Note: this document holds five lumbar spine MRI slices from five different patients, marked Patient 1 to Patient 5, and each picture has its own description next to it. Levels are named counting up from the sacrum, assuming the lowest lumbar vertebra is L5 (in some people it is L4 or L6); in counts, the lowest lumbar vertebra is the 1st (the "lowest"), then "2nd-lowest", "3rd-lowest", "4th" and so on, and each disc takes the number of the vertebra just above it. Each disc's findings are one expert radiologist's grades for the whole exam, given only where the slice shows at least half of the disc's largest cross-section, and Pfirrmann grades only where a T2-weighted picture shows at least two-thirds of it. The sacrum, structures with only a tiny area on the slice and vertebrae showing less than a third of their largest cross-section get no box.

Patient 1 of 5:
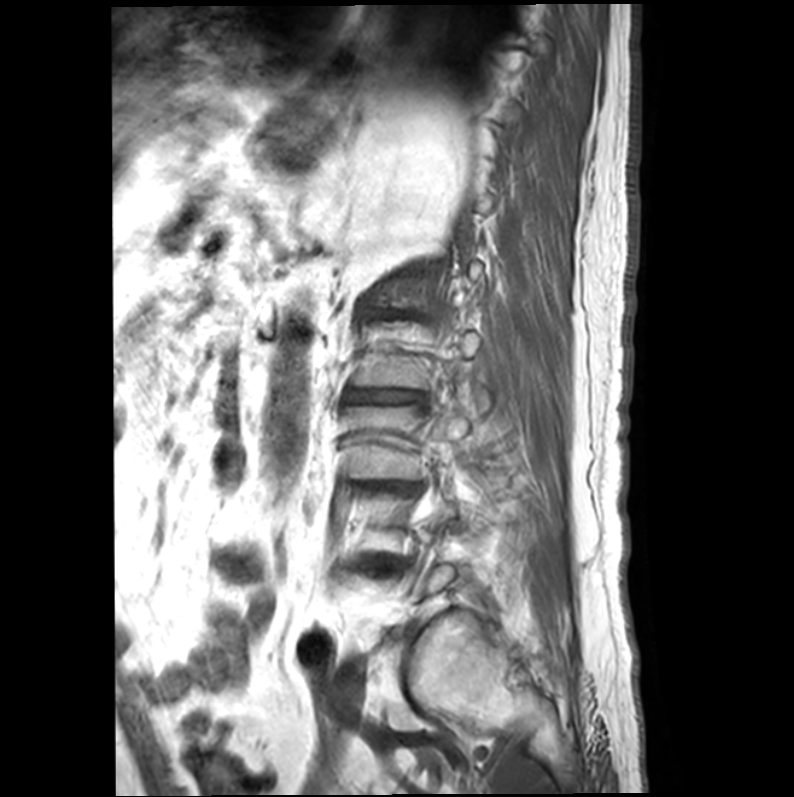
Slice 18/22; MRI lumbar spine (T1-weighted), sagittal plane; Field of view 308x309 mm, slice spacing 4.4 mm

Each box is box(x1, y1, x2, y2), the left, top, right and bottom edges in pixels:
L3 — box(345, 390, 489, 479).
Intervertebral disc L3/L4 — box(362, 481, 420, 493).
L2/L3 — box(344, 390, 423, 403).

Radiological gradings:
  L2/L3: Modic type II, disc narrowing, upper-endplate change, disc bulging, lower-endplate change

Patient 2 of 5:
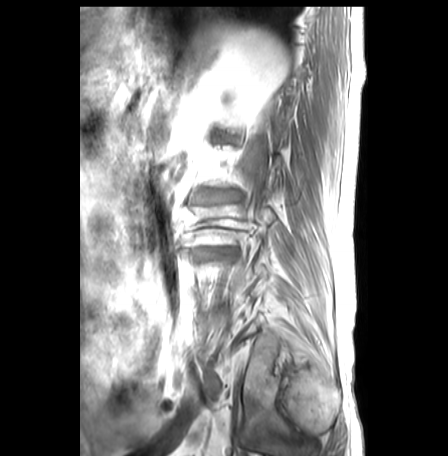

Sex M; Sagittal slice index 6; Sagittal T1-weighted lumbar spine MRI
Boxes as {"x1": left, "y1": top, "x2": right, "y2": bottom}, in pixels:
Annotations:
* L3/L4 (3rd-lowest disc) — {"x1": 190, "y1": 248, "x2": 232, "y2": 260}
* disc L2/L3 (4th disc) — {"x1": 190, "y1": 189, "x2": 241, "y2": 203}

Per-level radiological findings:
• L2/L3 (4th disc): disc narrowing, disc bulging, upper-endplate change, lower-endplate change, Modic type II

Patient 3 of 5:
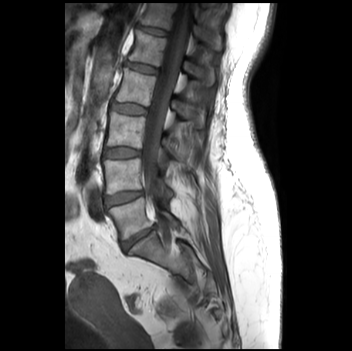

Field of view 286x285 mm; T1-weighted sagittal MRI of the lumbar spine
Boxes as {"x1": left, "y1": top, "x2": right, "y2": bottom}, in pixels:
3rd-lowest disc: {"x1": 104, "y1": 147, "x2": 139, "y2": 158}.
2nd-lowest disc: {"x1": 104, "y1": 191, "x2": 142, "y2": 207}.
Thecal sac / spinal canal: {"x1": 141, "y1": 3, "x2": 191, "y2": 201}.
6th vertebra: {"x1": 139, "y1": 3, "x2": 221, "y2": 49}.
4th vertebra: {"x1": 114, "y1": 68, "x2": 204, "y2": 128}.
Lowest disc: {"x1": 121, "y1": 226, "x2": 154, "y2": 249}.
4th disc: {"x1": 110, "y1": 101, "x2": 145, "y2": 113}.
Lowest vertebra: {"x1": 108, "y1": 197, "x2": 178, "y2": 239}.
5th vertebra: {"x1": 128, "y1": 30, "x2": 213, "y2": 84}.
5th disc: {"x1": 125, "y1": 62, "x2": 158, "y2": 73}.
6th disc: {"x1": 136, "y1": 25, "x2": 167, "y2": 35}.
2nd-lowest vertebra: {"x1": 102, "y1": 159, "x2": 172, "y2": 202}.
3rd-lowest vertebra: {"x1": 105, "y1": 111, "x2": 192, "y2": 159}.

Expert MSK radiologist gradings (per disc):
  lowest disc: disc narrowing, upper-endplate change, lower-endplate change, Modic type II
  5th disc, 4th disc, 6th disc, 3rd-lowest disc, 2nd-lowest disc: no Modic or endplate change, herniation, narrowing, bulging or spondylolisthesis recorded

Patient 4 of 5:
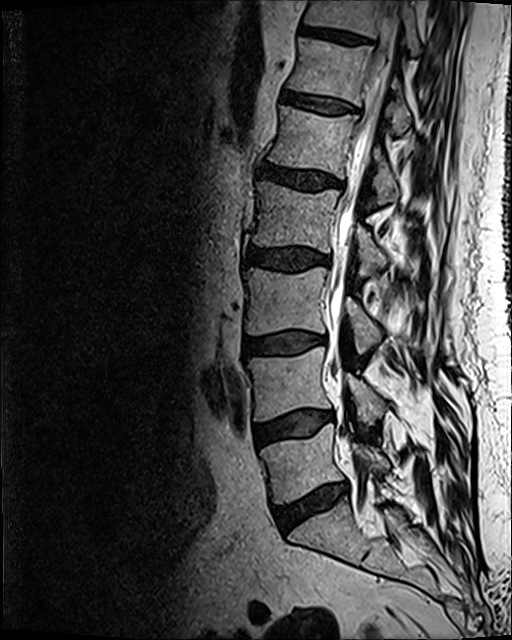 512x640 px; T2 SPACE (3D) sagittal MRI of the lumbar spine
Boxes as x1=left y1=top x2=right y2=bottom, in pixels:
L4/L5 (2nd-lowest disc): x1=254 y1=411 x2=333 y2=446.
Intervertebral disc L5/S1 (lowest disc): x1=274 y1=483 x2=347 y2=531.
L4 (2nd-lowest vertebra): x1=248 y1=347 x2=383 y2=424.
Intervertebral disc L3/L4 (3rd-lowest disc): x1=245 y1=331 x2=322 y2=355.
Intervertebral disc T12/L1 (6th disc): x1=283 y1=90 x2=356 y2=113.
L1 (5th vertebra): x1=269 y1=106 x2=398 y2=204.
Intervertebral disc L2/L3 (4th disc): x1=247 y1=246 x2=330 y2=271.
T11/T12 (7th disc): x1=299 y1=24 x2=373 y2=44.
T12 (6th vertebra): x1=288 y1=38 x2=410 y2=134.
L3 (3rd-lowest vertebra): x1=244 y1=267 x2=380 y2=353.
L5 (lowest vertebra): x1=260 y1=424 x2=389 y2=503.
Thecal sac / spinal canal: x1=329 y1=0 x2=400 y2=493.
L2 (4th vertebra): x1=254 y1=182 x2=387 y2=277.
Intervertebral disc L1/L2 (5th disc): x1=259 y1=161 x2=342 y2=191.
T11 (7th vertebra): x1=304 y1=0 x2=422 y2=55.

Expert MSK radiologist gradings (per disc):
  L5/S1 (lowest disc): Pfirrmann grade 3, Modic type II, disc bulging, disc narrowing
  T11/T12 (7th disc): Pfirrmann grade 3
  L4/L5 (2nd-lowest disc): Pfirrmann grade 2, Modic type II, disc bulging
  L3/L4 (3rd-lowest disc): Pfirrmann grade 2, Modic type II, disc bulging
  L1/L2 (5th disc): Pfirrmann grade 3, disc bulging
  T12/L1 (6th disc): Pfirrmann grade 2
  L2/L3 (4th disc): Pfirrmann grade 3, disc bulging

Patient 5 of 5:
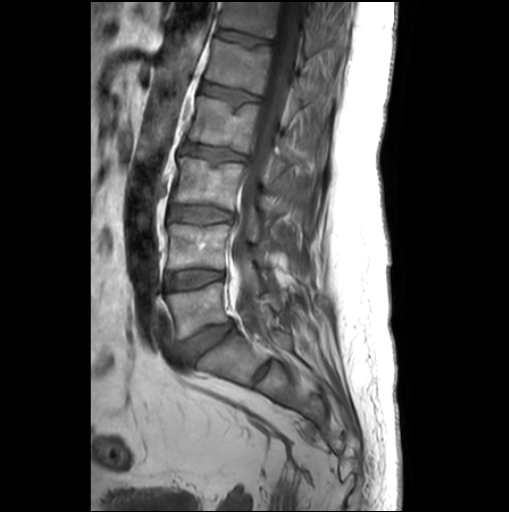

T1-weighted sagittal MRI of the lumbar spine

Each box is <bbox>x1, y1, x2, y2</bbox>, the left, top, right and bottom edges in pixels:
Segmented structures:
- L4/L5: <bbox>166, 269, 223, 290</bbox>
- L1/L2: <bbox>201, 82, 259, 105</bbox>
- L1 vertebra: <bbox>206, 39, 333, 109</bbox>
- L5 vertebra: <bbox>166, 282, 289, 338</bbox>
- L2/L3: <bbox>182, 143, 245, 160</bbox>
- T12: <bbox>220, 2, 321, 55</bbox>
- T12/L1: <bbox>217, 28, 269, 44</bbox>
- L4: <bbox>168, 223, 268, 268</bbox>
- L2 vertebra: <bbox>188, 96, 293, 171</bbox>
- L3/L4: <bbox>170, 205, 232, 223</bbox>
- intervertebral disc L5/S1: <bbox>184, 321, 233, 359</bbox>
- L3 vertebra: <bbox>173, 156, 282, 216</bbox>
- thecal sac / spinal canal: <bbox>232, 2, 299, 322</bbox>

Degenerative findings by level:
- L5/S1: disc bulging
- L2/L3: disc bulging, upper-endplate change, lower-endplate change
- L1/L2: lower-endplate change, upper-endplate change
- L3/L4, L4/L5, T12/L1: no spondylolisthesis, narrowing, bulging, herniation, Modic or endplate change recorded